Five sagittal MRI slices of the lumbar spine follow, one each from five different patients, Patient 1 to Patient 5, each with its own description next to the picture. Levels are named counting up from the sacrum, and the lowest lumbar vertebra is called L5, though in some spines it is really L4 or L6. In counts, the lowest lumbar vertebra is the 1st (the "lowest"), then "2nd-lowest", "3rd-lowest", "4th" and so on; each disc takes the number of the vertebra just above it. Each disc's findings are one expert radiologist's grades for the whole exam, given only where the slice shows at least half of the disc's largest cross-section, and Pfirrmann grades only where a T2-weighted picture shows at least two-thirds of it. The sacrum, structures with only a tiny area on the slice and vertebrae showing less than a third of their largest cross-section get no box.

Patient 1 of 5:
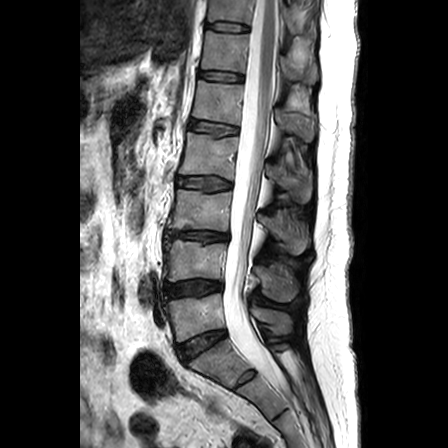 Sex F; Image 448x448; Sagittal slice index 12; Lumbar spine MR, T2-weighted, sagittal
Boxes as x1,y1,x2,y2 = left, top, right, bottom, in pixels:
L2 — 179,132,312,202.
L4 vertebra — 165,240,296,301.
L3/L4 — 166,231,227,241.
T12 — 201,31,318,84.
Disc T12/L1 — 198,71,242,81.
L1 vertebra — 193,80,315,141.
T11 vertebra — 208,0,297,34.
L2/L3 — 177,176,231,190.
L1/L2 — 190,120,238,134.
Disc L4/L5 — 165,280,222,296.
T11/T12 — 206,22,248,31.
L5/S1 — 178,330,225,360.
L5 — 165,293,292,342.
L3 vertebra — 168,189,308,254.
Thecal sac / spinal canal — 223,0,282,385.

Per-level radiological findings:
• L2/L3: Pfirrmann grade 1
• L4/L5: Pfirrmann grade 3, disc bulging
• L1/L2: Pfirrmann grade 2
• T11/T12: Pfirrmann grade 1
• L3/L4: Pfirrmann grade 3, upper-endplate change, lower-endplate change, disc herniation, disc narrowing, Modic type II
• L5/S1: Pfirrmann grade 3
• T12/L1: Pfirrmann grade 2

Patient 2 of 5:
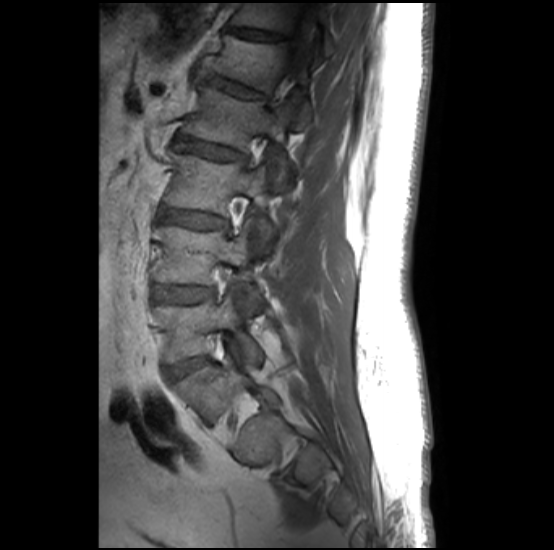
554x550 px | MRI lumbar spine (T1-weighted), sagittal plane

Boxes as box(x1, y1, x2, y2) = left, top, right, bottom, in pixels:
L2 (4th vertebra) at box(181, 87, 289, 183).
T12 (6th vertebra) at box(232, 3, 334, 55).
L3/L4 (3rd-lowest disc) at box(167, 209, 227, 229).
L4 (2nd-lowest vertebra) at box(157, 221, 260, 314).
Intervertebral disc L4/L5 (2nd-lowest disc) at box(156, 286, 213, 303).
Spinal canal at box(290, 12, 312, 71).
Intervertebral disc L2/L3 (4th disc) at box(177, 137, 247, 160).
L3 (3rd-lowest vertebra) at box(165, 153, 271, 251).
L5 (lowest vertebra) at box(156, 288, 261, 362).
L5/S1 (lowest disc) at box(168, 359, 206, 381).
Intervertebral disc T12/L1 (6th disc) at box(227, 26, 289, 41).
L1/L2 (5th disc) at box(209, 74, 268, 99).
L1 (5th vertebra) at box(214, 34, 312, 125).

Expert MSK radiologist gradings (per disc):
- L1/L2 (5th disc): upper-endplate change, lower-endplate change, Modic type II
- T12/L1 (6th disc): upper-endplate change, spondylolisthesis
- L3/L4 (3rd-lowest disc): Modic type II, lower-endplate change, upper-endplate change
- L4/L5 (2nd-lowest disc): lower-endplate change, Modic type II, upper-endplate change
- L2/L3 (4th disc): lower-endplate change, Modic type II, upper-endplate change

Patient 3 of 5:
Scanner: Philips Healthcare Ingenia (3T); MRI lumbar spine (T2-weighted), sagittal plane

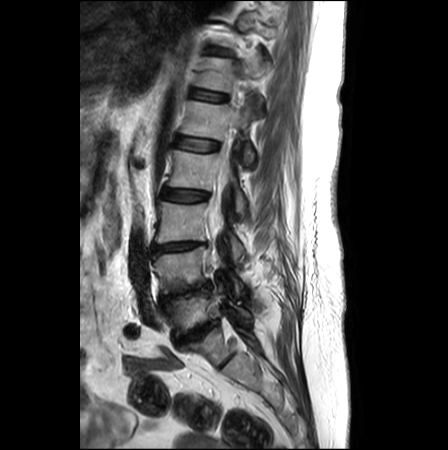

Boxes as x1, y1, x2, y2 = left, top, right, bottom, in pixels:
5th disc: 176, 136, 217, 151.
6th vertebra: 197, 58, 270, 91.
Lowest vertebra: 162, 281, 250, 336.
Lowest disc: 175, 320, 217, 344.
2nd-lowest vertebra: 152, 247, 243, 296.
Spinal canal: 209, 138, 233, 264.
5th vertebra: 181, 100, 254, 166.
6th disc: 193, 91, 226, 101.
3rd-lowest disc: 151, 242, 207, 253.
4th disc: 161, 189, 208, 201.
4th vertebra: 169, 150, 246, 213.
2nd-lowest disc: 160, 281, 212, 303.
3rd-lowest vertebra: 155, 202, 244, 261.

Degenerative findings by level:
• 3rd-lowest disc: Pfirrmann grade 4, lower-endplate change, disc bulging, disc narrowing, upper-endplate change
• 4th disc: Pfirrmann grade 3, disc bulging
• 2nd-lowest disc: disc bulging, disc narrowing
• 6th disc: Pfirrmann grade 2
• 5th disc: Pfirrmann grade 2
• lowest disc: Pfirrmann grade 5, disc bulging, Modic type II, disc narrowing, lower-endplate change, upper-endplate change

Patient 4 of 5:
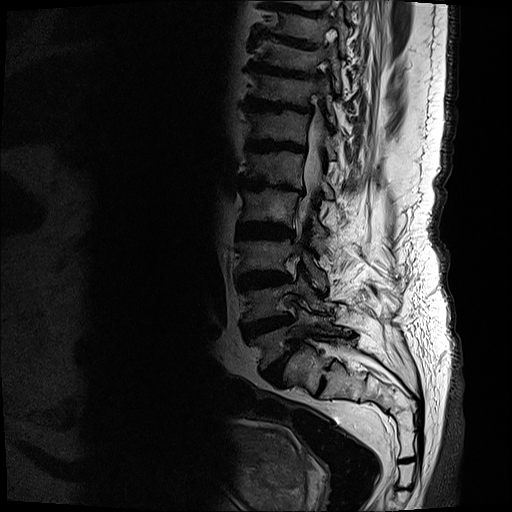 Sagittal slice index 12, Lumbar spine MR, T2-weighted, sagittal
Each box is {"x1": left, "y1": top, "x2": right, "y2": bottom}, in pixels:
Segmented structures:
* 8th disc = {"x1": 248, "y1": 61, "x2": 321, "y2": 81}
* 4th disc = {"x1": 239, "y1": 223, "x2": 293, "y2": 237}
* lowest disc = {"x1": 263, "y1": 339, "x2": 301, "y2": 384}
* 5th disc = {"x1": 237, "y1": 180, "x2": 306, "y2": 196}
* 2nd-lowest vertebra = {"x1": 243, "y1": 271, "x2": 326, "y2": 322}
* 9th disc = {"x1": 263, "y1": 36, "x2": 318, "y2": 49}
* 7th vertebra = {"x1": 253, "y1": 73, "x2": 337, "y2": 125}
* thecal sac / spinal canal = {"x1": 299, "y1": 117, "x2": 325, "y2": 226}
* 2nd-lowest disc = {"x1": 240, "y1": 317, "x2": 294, "y2": 341}
* 7th disc = {"x1": 247, "y1": 97, "x2": 314, "y2": 113}
* 3rd-lowest vertebra = {"x1": 238, "y1": 236, "x2": 326, "y2": 291}
* 4th vertebra = {"x1": 241, "y1": 189, "x2": 329, "y2": 238}
* 6th vertebra = {"x1": 251, "y1": 110, "x2": 338, "y2": 159}
* 3rd-lowest disc = {"x1": 238, "y1": 271, "x2": 290, "y2": 289}
* lowest vertebra = {"x1": 251, "y1": 304, "x2": 341, "y2": 370}
* 5th vertebra = {"x1": 244, "y1": 150, "x2": 334, "y2": 200}
* 8th vertebra = {"x1": 257, "y1": 38, "x2": 342, "y2": 92}
* 6th disc = {"x1": 248, "y1": 139, "x2": 307, "y2": 153}

Expert MSK radiologist gradings (per disc):
• 6th disc: Pfirrmann grade 5, disc narrowing, lower-endplate change, disc bulging, Modic type II, upper-endplate change
• 7th disc: Pfirrmann grade 5, lower-endplate change, Modic type II, disc bulging, disc narrowing, upper-endplate change
• 9th disc: upper-endplate change, disc narrowing, disc bulging, Modic type II, lower-endplate change
• 4th disc: Pfirrmann grade 5, upper-endplate change, disc narrowing, disc bulging, Modic type II, lower-endplate change
• 2nd-lowest disc: upper-endplate change, disc narrowing, Modic type II, disc bulging, lower-endplate change
• lowest disc: Pfirrmann grade 5, Modic type II, disc bulging, upper-endplate change, lower-endplate change, spondylolisthesis, disc narrowing
• 3rd-lowest disc: Pfirrmann grade 5, Modic type II, upper-endplate change, disc narrowing, disc bulging, lower-endplate change
• 5th disc: Pfirrmann grade 5, disc narrowing, upper-endplate change, lower-endplate change, Modic type II, disc bulging
• 8th disc: Pfirrmann grade 5, disc narrowing, Modic type II, disc bulging, upper-endplate change, lower-endplate change

Patient 5 of 5:
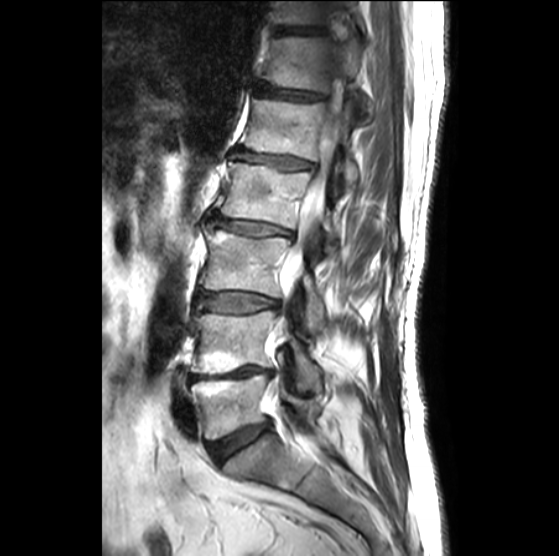

T2-weighted sagittal MRI of the lumbar spine
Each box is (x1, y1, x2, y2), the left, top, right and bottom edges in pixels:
T12 = (262, 36, 365, 106) | disc L2/L3 = (211, 214, 291, 235) | L1 vertebra = (241, 98, 359, 189) | thecal sac / spinal canal = (264, 86, 341, 443) | L1/L2 = (234, 150, 314, 169) | disc L3/L4 = (196, 293, 278, 311) | L5 = (191, 373, 320, 439) | L3 vertebra = (199, 223, 324, 333) | L4/L5 = (191, 366, 274, 379) | L2 vertebra = (217, 161, 338, 252) | disc T12/L1 = (254, 85, 324, 100) | T11 vertebra = (272, 1, 361, 24) | disc L5/S1 = (209, 421, 270, 464) | disc T11/T12 = (272, 26, 325, 35) | L4 = (191, 307, 320, 390)

Per-level radiological findings:
  T11/T12: disc narrowing
  L1/L2: Pfirrmann grade 3, upper-endplate change, lower-endplate change, disc narrowing, disc bulging, Modic type III
  L4/L5: Pfirrmann grade 5, upper-endplate change, lower-endplate change, Modic type II, disc narrowing
  L5/S1: Pfirrmann grade 3, disc bulging
  L3/L4: Pfirrmann grade 2, disc bulging
  L2/L3: Pfirrmann grade 3, disc narrowing, upper-endplate change, disc bulging, Modic type II, lower-endplate change
  T12/L1: Pfirrmann grade 3, disc narrowing